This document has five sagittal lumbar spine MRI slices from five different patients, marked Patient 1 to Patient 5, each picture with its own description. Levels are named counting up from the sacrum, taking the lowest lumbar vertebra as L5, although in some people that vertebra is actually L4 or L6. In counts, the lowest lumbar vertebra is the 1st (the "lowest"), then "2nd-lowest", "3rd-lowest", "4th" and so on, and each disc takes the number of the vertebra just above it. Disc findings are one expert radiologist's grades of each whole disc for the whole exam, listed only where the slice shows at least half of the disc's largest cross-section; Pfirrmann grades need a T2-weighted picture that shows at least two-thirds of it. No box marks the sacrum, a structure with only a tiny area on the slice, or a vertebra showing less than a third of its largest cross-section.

Patient 1 of 5:
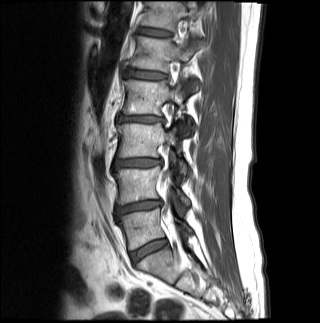
MRI lumbar spine (T1-weighted), sagittal plane
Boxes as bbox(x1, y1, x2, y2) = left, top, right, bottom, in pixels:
L1 (5th vertebra): bbox(128, 36, 205, 91).
Disc L5/S1 (lowest disc): bbox(130, 239, 166, 263).
L3 (3rd-lowest vertebra): bbox(118, 122, 186, 175).
Disc L1/L2 (5th disc): bbox(124, 70, 167, 79).
Disc L3/L4 (3rd-lowest disc): bbox(114, 158, 162, 168).
T12 (6th vertebra): bbox(141, 1, 205, 31).
L5 (lowest vertebra): bbox(119, 208, 191, 250).
L2 (4th vertebra): bbox(122, 79, 190, 134).
L4 (2nd-lowest vertebra): bbox(115, 166, 189, 212).
L2/L3 (4th disc): bbox(118, 116, 163, 123).
Disc T12/L1 (6th disc): bbox(140, 28, 171, 36).
L4/L5 (2nd-lowest disc): bbox(116, 200, 161, 215).

Per-level radiological findings:
- L3/L4 (3rd-lowest disc): disc bulging
- L1/L2 (5th disc): upper-endplate change, lower-endplate change
- L2/L3 (4th disc): disc bulging, disc narrowing, Modic type II, upper-endplate change, lower-endplate change
- L4/L5 (2nd-lowest disc): lower-endplate change, disc narrowing, disc bulging
- L5/S1 (lowest disc), T12/L1 (6th disc): no spondylolisthesis, narrowing, bulging, herniation, Modic or endplate change recorded

Patient 2 of 5:
Sagittal slice index 68, Patient sex: M, MRI lumbar spine (T2 SPACE (3D)), sagittal plane, Field of view 240x300 mm, slice spacing 0.9 mm

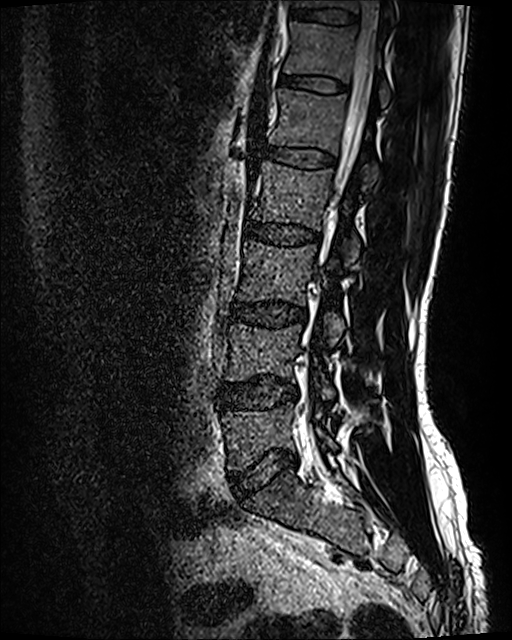 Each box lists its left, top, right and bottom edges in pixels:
T12: left=284, top=21, right=390, bottom=105.
Intervertebral disc T12/L1: left=281, top=75, right=345, bottom=92.
Intervertebral disc L5/S1: left=231, top=451, right=297, bottom=496.
L1: left=269, top=88, right=378, bottom=185.
L4/L5: left=222, top=376, right=297, bottom=408.
L4 vertebra: left=226, top=324, right=334, bottom=399.
L5 vertebra: left=222, top=402, right=336, bottom=471.
Thecal sac / spinal canal: left=315, top=1, right=383, bottom=284.
T11 vertebra: left=294, top=0, right=391, bottom=11.
Intervertebral disc L1/L2: left=261, top=144, right=334, bottom=167.
Intervertebral disc L3/L4: left=229, top=303, right=305, bottom=326.
L3 vertebra: left=236, top=239, right=344, bottom=343.
L2/L3: left=245, top=222, right=318, bottom=245.
L2 vertebra: left=248, top=160, right=359, bottom=264.
Intervertebral disc T11/T12: left=289, top=7, right=357, bottom=25.

Expert MSK radiologist gradings (per disc):
  L4/L5: Pfirrmann grade 2, disc bulging
  T12/L1: Pfirrmann grade 2
  L1/L2: Pfirrmann grade 2
  L5/S1: Pfirrmann grade 2, disc bulging
  L3/L4: Pfirrmann grade 2, disc bulging
  L2/L3: Pfirrmann grade 2
  T11/T12: Pfirrmann grade 2

Patient 3 of 5:
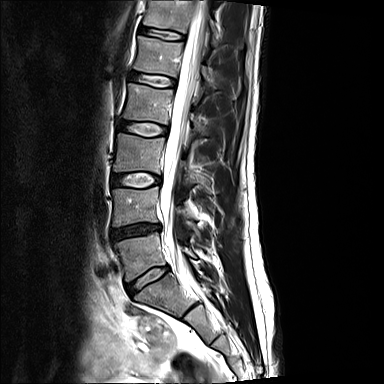
MRI lumbar spine (T2-weighted), sagittal plane; Slice 8 of 15; 384x384 px
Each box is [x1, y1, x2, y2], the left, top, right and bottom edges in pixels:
Lowest disc at [127, 267, 168, 294], 2nd-lowest vertebra at [113, 187, 189, 226], 3rd-lowest disc at [112, 173, 160, 187], 5th vertebra at [134, 36, 213, 87], 4th vertebra at [123, 83, 202, 133], lowest vertebra at [114, 232, 195, 281], 3rd-lowest vertebra at [113, 133, 191, 183], 6th vertebra at [144, 0, 219, 45], spinal canal at [160, 0, 207, 283], 2nd-lowest disc at [109, 224, 159, 239], 4th disc at [119, 121, 167, 136], 6th disc at [139, 26, 184, 40], 5th disc at [129, 72, 175, 87].

Per-level radiological findings:
- 3rd-lowest disc: Pfirrmann grade 2
- 4th disc: Pfirrmann grade 2
- lowest disc: Pfirrmann grade 2, disc bulging
- 5th disc: Pfirrmann grade 2
- 2nd-lowest disc: Pfirrmann grade 4, disc narrowing, disc herniation
- 6th disc: Pfirrmann grade 2

Patient 4 of 5:
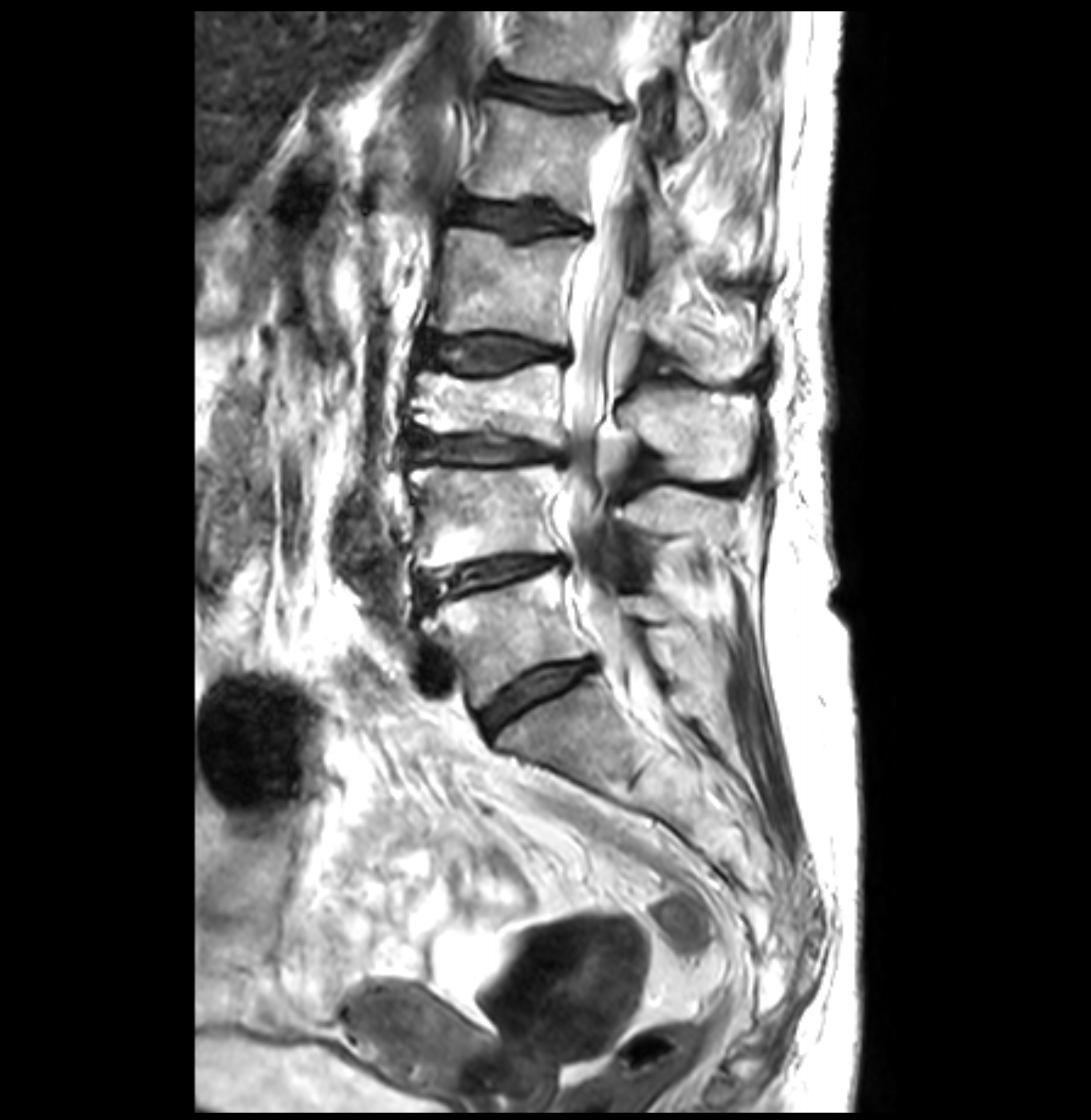

Patient sex: F; Sagittal T2-weighted lumbar spine MRI; Field of view 280x287 mm; Slice 19/35

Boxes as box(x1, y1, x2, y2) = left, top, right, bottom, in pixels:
5th disc = box(460, 200, 589, 236).
2nd-lowest vertebra = box(409, 463, 732, 568).
6th vertebra = box(507, 11, 703, 146).
Lowest vertebra = box(421, 568, 676, 708).
2nd-lowest disc = box(419, 556, 567, 608).
3rd-lowest disc = box(409, 432, 564, 462).
6th disc = box(482, 69, 630, 117).
4th vertebra = box(426, 228, 754, 383).
Lowest disc = box(480, 659, 594, 734).
4th disc = box(421, 334, 570, 371).
Thecal sac / spinal canal = box(560, 19, 662, 610).
3rd-lowest vertebra = box(409, 362, 754, 479).
5th vertebra = box(467, 100, 681, 256).

Radiological gradings:
- lowest disc: Pfirrmann grade 3, disc bulging
- 2nd-lowest disc: Pfirrmann grade 3, disc narrowing, disc bulging, Modic type II
- 3rd-lowest disc: Pfirrmann grade 3, disc bulging, disc narrowing, Modic type II, upper-endplate change
- 4th disc: Pfirrmann grade 3, Modic type II, disc bulging
- 6th disc: Pfirrmann grade 3, disc bulging, upper-endplate change
- 5th disc: Pfirrmann grade 3, lower-endplate change, upper-endplate change

Patient 5 of 5:
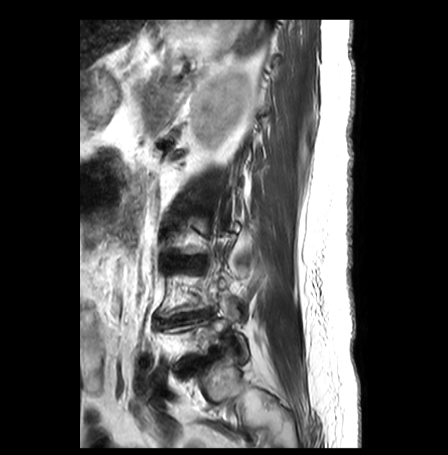 Field of view 280x284 mm, Sagittal T2-weighted lumbar spine MRI, Slice 25/30
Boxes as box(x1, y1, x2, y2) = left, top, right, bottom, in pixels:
L3/L4 — box(170, 258, 202, 267) | L5/S1 — box(179, 354, 212, 374) | L4/L5 — box(159, 311, 212, 325)

Radiological gradings:
- L3/L4: disc narrowing, Modic type II, upper-endplate change, lower-endplate change, disc bulging
- L5/S1: Pfirrmann grade 4, disc narrowing, Modic type II, upper-endplate change, lower-endplate change, disc bulging
- L4/L5: Modic type II, lower-endplate change, upper-endplate change, disc narrowing, disc bulging, disc herniation